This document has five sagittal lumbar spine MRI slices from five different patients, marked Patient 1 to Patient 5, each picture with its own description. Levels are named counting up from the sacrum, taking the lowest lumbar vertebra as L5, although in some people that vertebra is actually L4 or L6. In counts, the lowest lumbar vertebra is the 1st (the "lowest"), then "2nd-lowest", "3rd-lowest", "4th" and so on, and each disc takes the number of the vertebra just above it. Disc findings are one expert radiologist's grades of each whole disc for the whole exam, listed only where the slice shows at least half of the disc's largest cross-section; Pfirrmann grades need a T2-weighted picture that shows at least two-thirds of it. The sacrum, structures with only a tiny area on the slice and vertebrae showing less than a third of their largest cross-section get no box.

Patient 1 of 5:
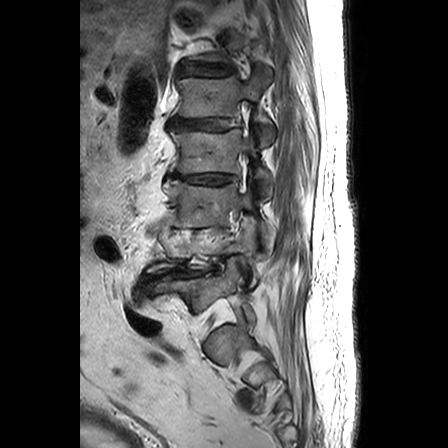
MRI lumbar spine (T2-weighted), sagittal plane

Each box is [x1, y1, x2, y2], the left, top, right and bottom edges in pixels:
4th vertebra at [170, 129, 272, 200], 4th disc at [169, 174, 234, 184], 3rd-lowest disc at [171, 224, 228, 229], 5th disc at [167, 119, 230, 130], lowest vertebra at [159, 262, 255, 321], 5th vertebra at [172, 68, 274, 145], 6th disc at [177, 65, 233, 75], 2nd-lowest vertebra at [146, 219, 256, 287], 2nd-lowest disc at [145, 270, 213, 283], 3rd-lowest vertebra at [164, 180, 270, 246].

Radiological gradings:
  6th disc: Pfirrmann grade 4, disc bulging, disc herniation, disc narrowing
  5th disc: Pfirrmann grade 4, disc bulging, disc narrowing
  4th disc: Pfirrmann grade 4, disc bulging, disc narrowing

Patient 2 of 5:
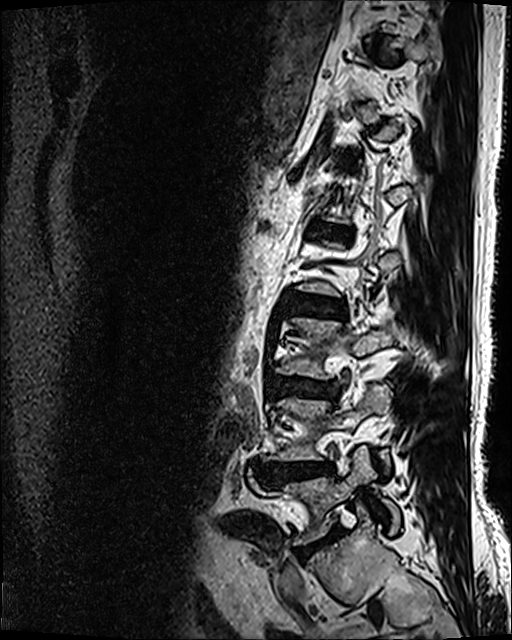 Sex M | Lumbar spine MR, T2 SPACE (3D), sagittal | Slice spacing 0.9 mm

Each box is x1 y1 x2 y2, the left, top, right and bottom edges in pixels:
Annotations:
- disc L5/S1 at 299 531 338 557
- disc L3/L4 at 269 377 339 398
- L5 at 261 446 400 544
- L3 at 275 318 405 378
- disc L1/L2 at 316 226 347 236
- disc L2/L3 at 290 295 343 316
- L4/L5 at 264 463 331 484
- L4 at 269 383 391 472

Per-level radiological findings:
- L2/L3: disc bulging
- L3/L4: Pfirrmann grade 4, lower-endplate change, disc bulging, disc narrowing, Modic type II

Patient 3 of 5:
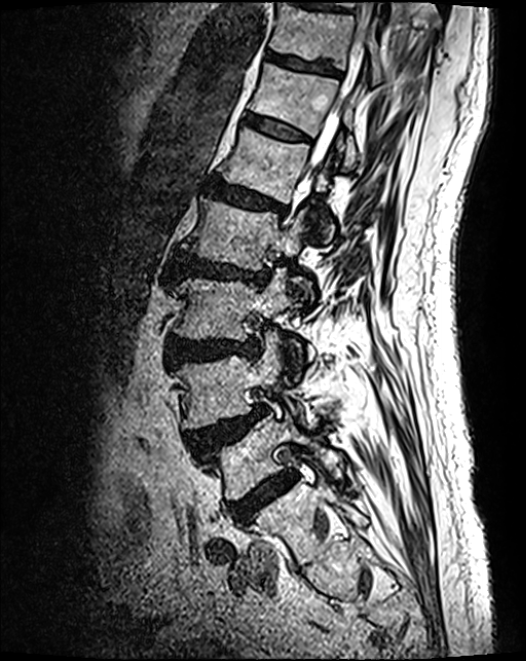

MRI lumbar spine (T2 SPACE (3D)), sagittal plane; Field of view 240x302 mm; Sex M
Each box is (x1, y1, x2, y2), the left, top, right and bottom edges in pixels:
L5 vertebra: (203, 415, 340, 501).
L1 vertebra: (219, 127, 333, 237).
T12/L1: (245, 115, 308, 142).
L1/L2: (205, 179, 286, 216).
L2/L3: (174, 253, 268, 286).
Thecal sac / spinal canal: (302, 0, 378, 185).
L5/S1: (229, 473, 296, 524).
L3: (173, 270, 304, 369).
T12: (249, 63, 359, 167).
L4/L5: (188, 406, 267, 452).
T11 vertebra: (270, 3, 382, 84).
L2: (183, 197, 310, 295).
Intervertebral disc T11/T12: (267, 52, 338, 75).
L3/L4: (168, 340, 258, 364).
L4: (176, 335, 320, 429).

Expert MSK radiologist gradings (per disc):
  L5/S1: Pfirrmann grade 4
  L1/L2: Pfirrmann grade 4, disc bulging, upper-endplate change, lower-endplate change
  T11/T12: Pfirrmann grade 3, lower-endplate change
  L2/L3: Pfirrmann grade 4, upper-endplate change, lower-endplate change, disc narrowing, disc bulging
  L3/L4: Pfirrmann grade 4, disc bulging
  L4/L5: Pfirrmann grade 4, upper-endplate change, disc herniation, spondylolisthesis
  T12/L1: Pfirrmann grade 3

Patient 4 of 5:
Slice 112/120. Sagittal T2 SPACE (3D) lumbar spine MRI.
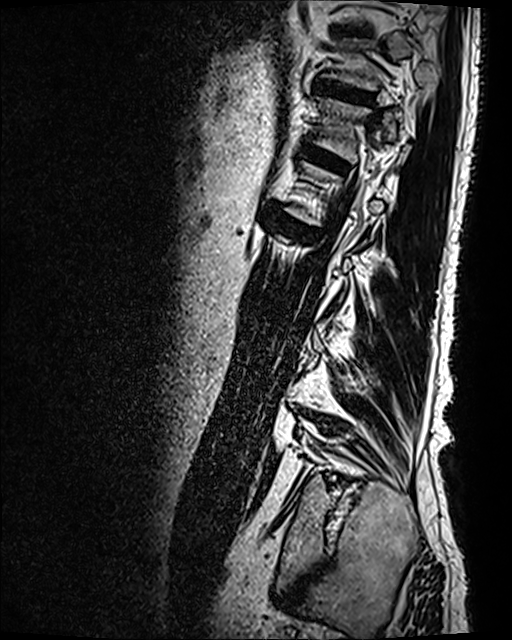

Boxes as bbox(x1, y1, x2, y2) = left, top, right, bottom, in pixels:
T10/T11 (8th disc) at bbox(333, 28, 367, 33); T12/L1 (6th disc) at bbox(304, 145, 344, 169); T11/T12 (7th disc) at bbox(315, 79, 371, 102); disc L1/L2 (5th disc) at bbox(276, 213, 319, 236).

Per-level radiological findings:
  T11/T12 (7th disc): Pfirrmann grade 4, lower-endplate change, disc bulging, upper-endplate change

Patient 5 of 5:
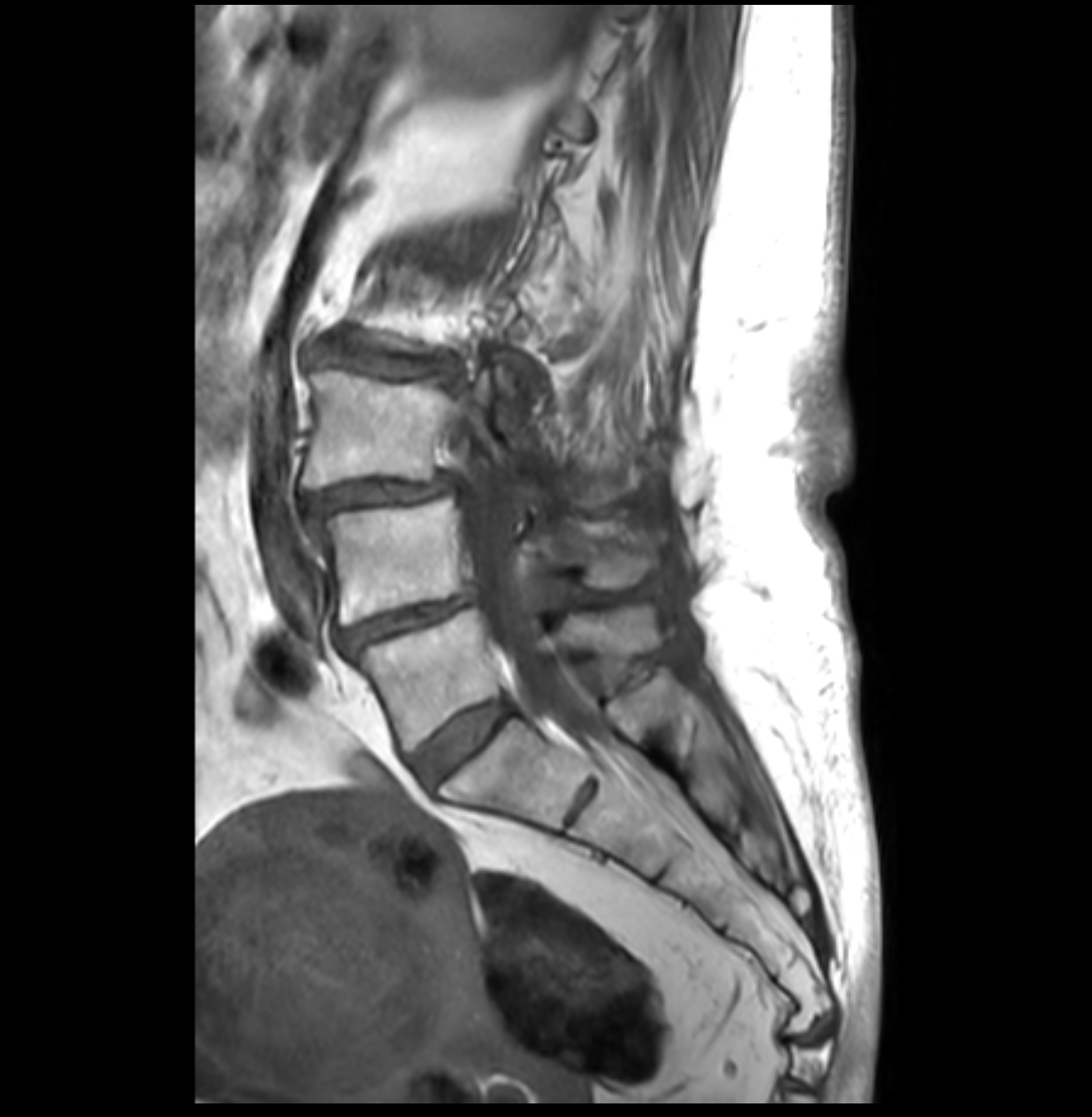 Sagittal slice index 13, MRI lumbar spine (T1-weighted), sagittal plane, 1092x1117 px, Patient sex: F
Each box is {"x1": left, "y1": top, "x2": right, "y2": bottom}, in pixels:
L5 (lowest vertebra) at {"x1": 356, "y1": 605, "x2": 657, "y2": 751}, L4 (2nd-lowest vertebra) at {"x1": 312, "y1": 497, "x2": 652, "y2": 624}, L3 (3rd-lowest vertebra) at {"x1": 302, "y1": 366, "x2": 619, "y2": 498}, L4/L5 (2nd-lowest disc) at {"x1": 339, "y1": 593, "x2": 477, "y2": 650}, L3/L4 (3rd-lowest disc) at {"x1": 305, "y1": 475, "x2": 450, "y2": 515}, spinal canal at {"x1": 441, "y1": 408, "x2": 614, "y2": 751}, intervertebral disc L2/L3 (4th disc) at {"x1": 315, "y1": 338, "x2": 460, "y2": 377}, L5/S1 (lowest disc) at {"x1": 412, "y1": 698, "x2": 513, "y2": 784}.

Degenerative findings by level:
• L4/L5 (2nd-lowest disc): disc bulging, disc narrowing
• L3/L4 (3rd-lowest disc): disc bulging, spondylolisthesis, disc narrowing
• L2/L3 (4th disc): disc bulging, disc narrowing, lower-endplate change, upper-endplate change
• L5/S1 (lowest disc): no herniation, bulging, narrowing, spondylolisthesis, endplate or Modic change recorded